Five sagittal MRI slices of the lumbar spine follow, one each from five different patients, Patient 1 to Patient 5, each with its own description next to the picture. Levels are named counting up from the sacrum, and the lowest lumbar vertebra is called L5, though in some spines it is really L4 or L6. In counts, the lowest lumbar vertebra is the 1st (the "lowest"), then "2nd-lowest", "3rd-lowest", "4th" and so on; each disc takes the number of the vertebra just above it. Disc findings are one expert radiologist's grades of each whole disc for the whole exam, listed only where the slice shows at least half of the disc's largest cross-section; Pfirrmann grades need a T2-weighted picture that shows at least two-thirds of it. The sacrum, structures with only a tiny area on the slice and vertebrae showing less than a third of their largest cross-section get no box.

Patient 1 of 5:
Image 384x384. Sagittal slice index 4. MRI lumbar spine (T1-weighted), sagittal plane.

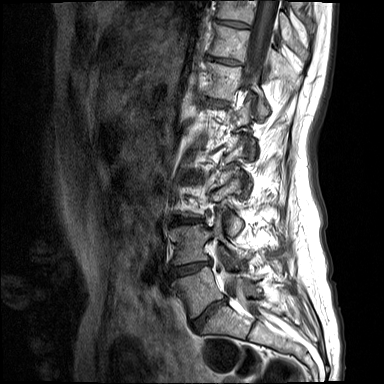

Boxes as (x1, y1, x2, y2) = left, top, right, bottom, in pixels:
• intervertebral disc L5/S1 = (192, 298, 225, 330)
• L4 vertebra = (172, 213, 250, 264)
• T11/T12 = (207, 56, 238, 63)
• T10 = (217, 0, 310, 61)
• T11 = (210, 23, 297, 85)
• intervertebral disc L3/L4 = (176, 217, 197, 223)
• L4/L5 = (171, 261, 210, 276)
• thecal sac / spinal canal = (223, 0, 278, 311)
• T12 = (206, 62, 269, 120)
• L5 vertebra = (172, 267, 260, 317)
• intervertebral disc T10/T11 = (217, 19, 250, 28)

Expert MSK radiologist gradings (per disc):
- T11/T12: upper-endplate change, lower-endplate change
- L4/L5: disc bulging, upper-endplate change, disc narrowing, lower-endplate change
- L5/S1: upper-endplate change, disc bulging, lower-endplate change, disc narrowing
- T10/T11: no spondylolisthesis, narrowing, bulging, herniation, Modic or endplate change recorded

Patient 2 of 5:
T1-weighted sagittal MRI of the lumbar spine.
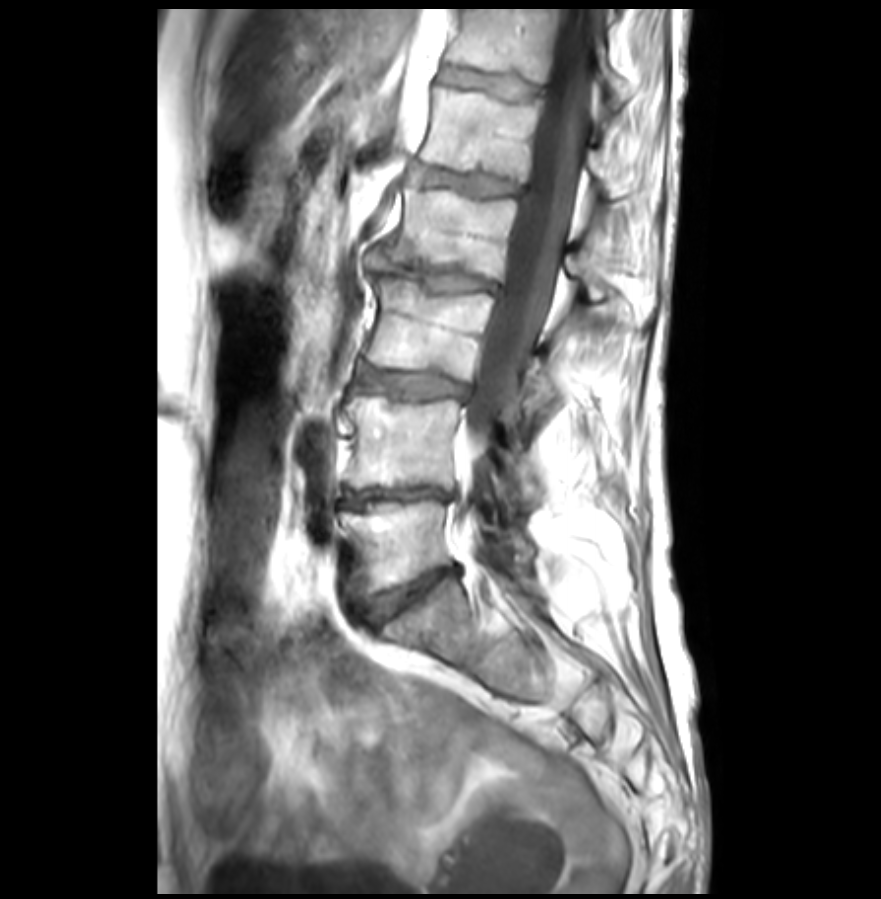

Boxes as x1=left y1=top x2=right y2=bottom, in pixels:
6th vertebra — x1=446 y1=9 x2=632 y2=111 | 2nd-lowest vertebra — x1=344 y1=396 x2=538 y2=501 | lowest vertebra — x1=340 y1=498 x2=534 y2=590 | spinal canal — x1=454 y1=19 x2=587 y2=521 | 5th vertebra — x1=421 y1=88 x2=632 y2=197 | 5th disc — x1=415 y1=168 x2=520 y2=195 | 6th disc — x1=439 y1=68 x2=544 y2=98 | 3rd-lowest disc — x1=360 y1=366 x2=467 y2=397 | 4th disc — x1=366 y1=248 x2=501 y2=295 | 4th vertebra — x1=384 y1=187 x2=628 y2=299 | 2nd-lowest disc — x1=340 y1=487 x2=449 y2=508 | 3rd-lowest vertebra — x1=368 y1=275 x2=564 y2=417 | lowest disc — x1=364 y1=568 x2=457 y2=619

Per-level radiological findings:
• 4th disc: upper-endplate change, disc herniation, lower-endplate change, disc narrowing, disc bulging, Modic type II
• 6th disc: upper-endplate change, lower-endplate change
• 3rd-lowest disc: disc bulging, Modic type II
• 5th disc: lower-endplate change, Modic type II, upper-endplate change
• 2nd-lowest disc: Modic type II, disc bulging, disc narrowing
• lowest disc: upper-endplate change, lower-endplate change, disc narrowing, disc bulging

Patient 3 of 5:
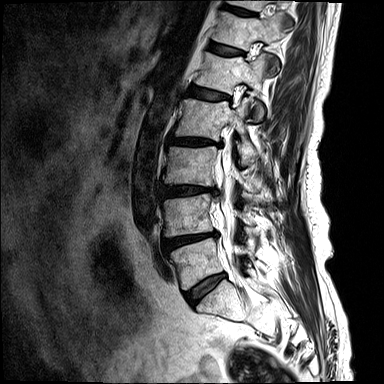 Lumbar spine MR, T2-weighted, sagittal, 384x384 px
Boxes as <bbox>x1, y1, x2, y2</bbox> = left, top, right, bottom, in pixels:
Segmented structures:
• 4th vertebra at <bbox>173, 98, 259, 166</bbox>
• 2nd-lowest vertebra at <bbox>163, 194, 253, 236</bbox>
• 6th disc at <bbox>209, 42, 245, 56</bbox>
• 5th vertebra at <bbox>194, 52, 267, 121</bbox>
• 3rd-lowest vertebra at <bbox>163, 146, 255, 193</bbox>
• spinal canal at <bbox>218, 150, 237, 265</bbox>
• lowest vertebra at <bbox>171, 237, 253, 289</bbox>
• 2nd-lowest disc at <bbox>165, 232, 217, 249</bbox>
• 7th vertebra at <bbox>227, 0, 267, 10</bbox>
• 6th vertebra at <bbox>213, 11, 284, 72</bbox>
• 4th disc at <bbox>169, 136, 222, 146</bbox>
• 7th disc at <bbox>223, 3, 257, 16</bbox>
• 3rd-lowest disc at <bbox>163, 186, 218, 196</bbox>
• lowest disc at <bbox>184, 273, 226, 306</bbox>
• 5th disc at <bbox>189, 86, 229, 99</bbox>

Radiological gradings:
- 3rd-lowest disc: Pfirrmann grade 4, disc bulging, disc narrowing, upper-endplate change, lower-endplate change, Modic type II, disc herniation
- 7th disc: Pfirrmann grade 3, upper-endplate change, lower-endplate change
- 6th disc: Pfirrmann grade 3
- lowest disc: Pfirrmann grade 3, Modic type II, disc bulging
- 2nd-lowest disc: Pfirrmann grade 4, disc narrowing, Modic type I, disc bulging, upper-endplate change, lower-endplate change
- 5th disc: Pfirrmann grade 3
- 4th disc: Pfirrmann grade 4, Modic type II, disc bulging, lower-endplate change, disc narrowing, upper-endplate change

Patient 4 of 5:
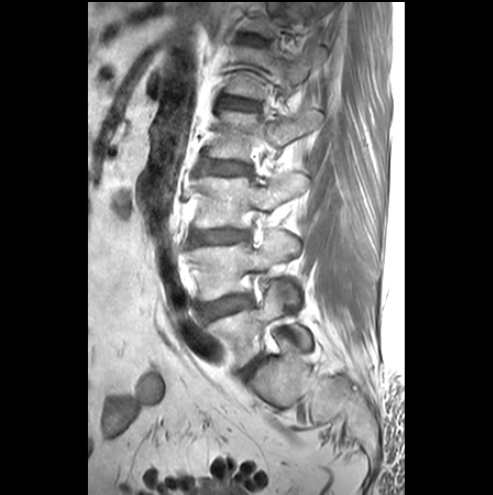

493x495 px, MRI lumbar spine (T1-weighted), sagittal plane
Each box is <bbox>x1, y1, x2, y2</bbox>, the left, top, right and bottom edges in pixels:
Structures:
* L5 (lowest vertebra) at <bbox>207, 281, 310, 366</bbox>
* IVD L2/L3 (4th disc) at <bbox>201, 160, 249, 174</bbox>
* IVD L3/L4 (3rd-lowest disc) at <bbox>192, 229, 245, 243</bbox>
* L3 (3rd-lowest vertebra) at <bbox>196, 173, 308, 227</bbox>
* L1 (5th vertebra) at <bbox>225, 42, 327, 98</bbox>
* L4 (2nd-lowest vertebra) at <bbox>191, 231, 299, 303</bbox>
* L1/L2 (5th disc) at <bbox>221, 97, 255, 109</bbox>
* L5/S1 (lowest disc) at <bbox>242, 356, 262, 377</bbox>
* L4/L5 (2nd-lowest disc) at <bbox>200, 296, 250, 319</bbox>
* L2 (4th vertebra) at <bbox>208, 107, 320, 160</bbox>
* IVD T12/L1 (6th disc) at <bbox>241, 34, 266, 44</bbox>

Expert MSK radiologist gradings (per disc):
- L4/L5 (2nd-lowest disc): Modic type III, disc bulging
- L3/L4 (3rd-lowest disc): disc bulging
- L2/L3 (4th disc): no Modic or endplate change, herniation, narrowing, bulging or spondylolisthesis recorded

Patient 5 of 5:
MRI lumbar spine (T2 SPACE (3D)), sagittal plane

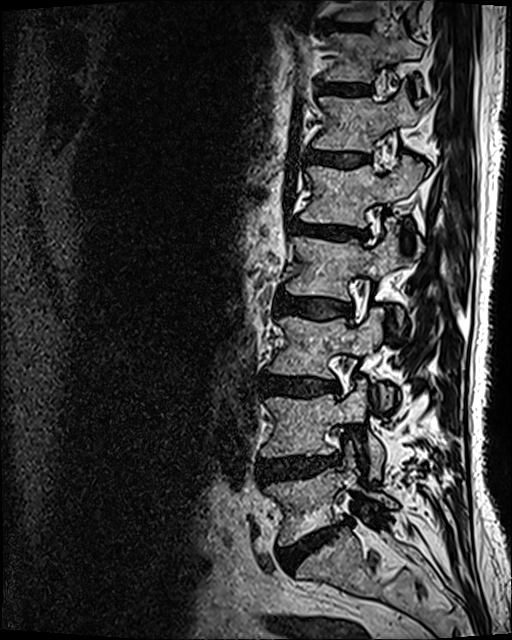 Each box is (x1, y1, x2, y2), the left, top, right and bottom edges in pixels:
L5/S1: (278, 520, 348, 571).
L2: (286, 231, 404, 331).
L3/L4: (260, 374, 338, 395).
T11 vertebra: (323, 32, 422, 83).
L1: (300, 157, 424, 227).
L5: (265, 459, 397, 545).
Disc L2/L3: (275, 293, 349, 319).
Disc T10/T11: (326, 20, 368, 30).
Disc L1/L2: (292, 221, 363, 238).
T12: (313, 88, 424, 152).
L3: (268, 307, 391, 407).
T12/L1: (309, 152, 366, 166).
Disc L4/L5: (257, 454, 339, 484).
Disc T11/T12: (317, 84, 370, 94).
L4 vertebra: (261, 378, 383, 477).

Degenerative findings by level:
• L5/S1: Pfirrmann grade 5, disc bulging, lower-endplate change, disc narrowing, Modic type II
• T12/L1: Pfirrmann grade 3
• L1/L2: Modic type II, disc narrowing, lower-endplate change, upper-endplate change, disc bulging
• L2/L3: Pfirrmann grade 3, disc bulging
• L4/L5: Pfirrmann grade 4, disc bulging, disc herniation
• L3/L4: Pfirrmann grade 4, disc bulging, disc narrowing, lower-endplate change, Modic type II
• T11/T12: no Modic or endplate change, herniation, narrowing, bulging or spondylolisthesis recorded